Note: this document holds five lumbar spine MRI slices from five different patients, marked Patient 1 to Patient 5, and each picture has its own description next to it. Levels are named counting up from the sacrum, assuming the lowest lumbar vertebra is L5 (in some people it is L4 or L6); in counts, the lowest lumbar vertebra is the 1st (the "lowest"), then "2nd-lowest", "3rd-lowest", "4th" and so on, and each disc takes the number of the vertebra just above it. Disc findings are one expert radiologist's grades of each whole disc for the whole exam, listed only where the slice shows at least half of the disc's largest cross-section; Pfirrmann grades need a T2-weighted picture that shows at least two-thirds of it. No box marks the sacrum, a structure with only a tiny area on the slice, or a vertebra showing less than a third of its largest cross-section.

Patient 1 of 5:
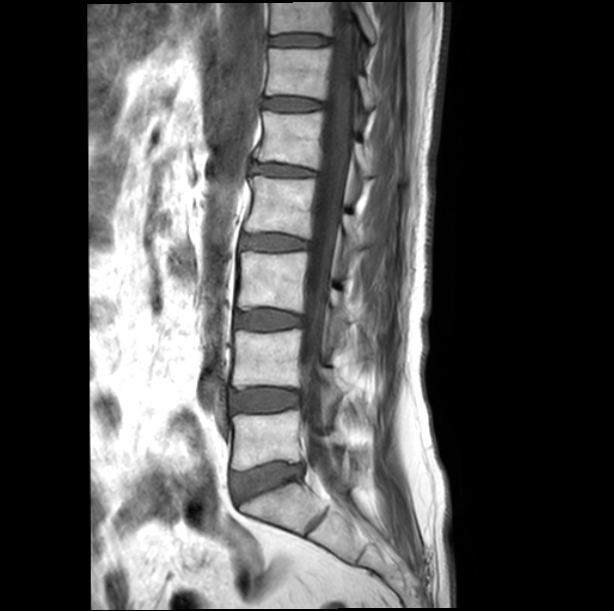 T1-weighted sagittal MRI of the lumbar spine | Sex M | 614x611 px

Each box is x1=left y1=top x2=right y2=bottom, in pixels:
L2 vertebra = x1=244 y1=176 x2=364 y2=253.
L4 = x1=232 y1=329 x2=346 y2=401.
L1/L2 = x1=251 y1=163 x2=318 y2=176.
Intervertebral disc L3/L4 = x1=235 y1=310 x2=300 y2=330.
T12/L1 = x1=264 y1=97 x2=322 y2=110.
L5 vertebra = x1=232 y1=410 x2=342 y2=470.
T11 vertebra = x1=270 y1=2 x2=375 y2=42.
T11/T12 = x1=270 y1=34 x2=329 y2=45.
L5/S1 = x1=232 y1=462 x2=304 y2=500.
L4/L5 = x1=231 y1=389 x2=298 y2=412.
T12 = x1=267 y1=47 x2=375 y2=108.
L1 = x1=255 y1=110 x2=372 y2=177.
Thecal sac / spinal canal = x1=301 y1=2 x2=355 y2=489.
L3 = x1=238 y1=251 x2=355 y2=337.
L2/L3 = x1=241 y1=234 x2=309 y2=250.

Degenerative findings by level:
  L5/S1: disc bulging
  L1/L2: disc bulging, disc narrowing
  L4/L5, L3/L4, T12/L1, L2/L3, T11/T12: no herniation, bulging, narrowing, spondylolisthesis, endplate or Modic change recorded

Patient 2 of 5:
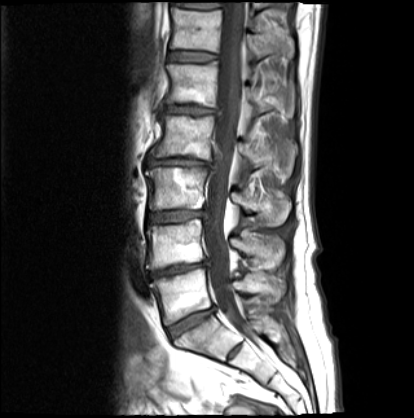 MRI lumbar spine (T1-weighted), sagittal plane, Image 414x418

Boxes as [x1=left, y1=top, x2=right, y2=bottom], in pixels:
Segmented structures:
- L1 vertebra: [x1=167, y1=62, x2=268, y2=115]
- L5/S1: [x1=170, y1=308, x2=214, y2=337]
- L4/L5: [x1=148, y1=260, x2=209, y2=278]
- L3 vertebra: [x1=146, y1=167, x2=289, y2=226]
- L2/L3: [x1=146, y1=157, x2=211, y2=167]
- intervertebral disc L1/L2: [x1=163, y1=105, x2=220, y2=115]
- T12 vertebra: [x1=171, y1=7, x2=268, y2=59]
- intervertebral disc L3/L4: [x1=149, y1=210, x2=206, y2=222]
- thecal sac / spinal canal: [x1=204, y1=2, x2=246, y2=332]
- L4 vertebra: [x1=146, y1=219, x2=284, y2=269]
- L2: [x1=150, y1=116, x2=297, y2=175]
- T12/L1: [x1=168, y1=52, x2=216, y2=61]
- L5: [x1=150, y1=268, x2=285, y2=325]

Degenerative findings by level:
• L1/L2: upper-endplate change, Modic type II, lower-endplate change, disc bulging, disc narrowing
• L2/L3: disc narrowing, lower-endplate change, upper-endplate change, Modic type II, disc bulging
• L5/S1: Modic type II, disc narrowing, disc bulging
• L4/L5: lower-endplate change, disc narrowing, disc bulging, Modic type II, upper-endplate change
• L3/L4: Modic type II, disc narrowing, disc bulging
• T12/L1: no spondylolisthesis, narrowing, bulging, herniation, Modic or endplate change recorded

Patient 3 of 5:
Field of view 280x280 mm | 448x448 px | Lumbar spine MR, T2-weighted, sagittal

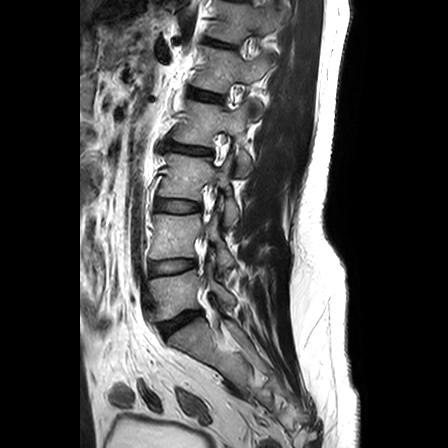

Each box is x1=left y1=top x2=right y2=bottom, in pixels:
IVD L1/L2 = x1=188 y1=89 x2=223 y2=100.
IVD L4/L5 = x1=150 y1=260 x2=195 y2=275.
L2 = x1=173 y1=101 x2=261 y2=173.
L5 = x1=150 y1=264 x2=235 y2=320.
L5/S1 = x1=159 y1=311 x2=200 y2=336.
L3/L4 = x1=156 y1=199 x2=200 y2=212.
L3 = x1=159 y1=153 x2=239 y2=225.
L4 vertebra = x1=150 y1=214 x2=234 y2=270.
L2/L3 = x1=168 y1=143 x2=211 y2=154.
T12/L1 = x1=205 y1=39 x2=230 y2=47.
T12 vertebra = x1=207 y1=0 x2=278 y2=43.
L1 vertebra = x1=191 y1=46 x2=272 y2=110.

Radiological gradings:
  L2/L3: Pfirrmann grade 4, lower-endplate change, disc bulging, disc narrowing, upper-endplate change
  L3/L4: Pfirrmann grade 2, upper-endplate change
  L4/L5: Pfirrmann grade 2, lower-endplate change
  L5/S1: disc herniation

Patient 4 of 5:
Scanner: SIEMENS Avanto_fit (1.5T), T2 SPACE (3D) sagittal MRI of the lumbar spine, Slice spacing 0.9 mm 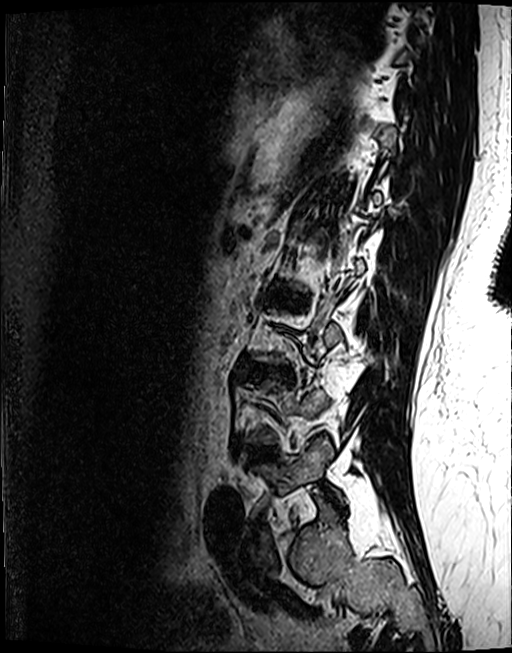 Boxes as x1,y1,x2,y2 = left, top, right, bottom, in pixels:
Annotations:
* L5 (lowest vertebra) — 251,435,343,503
* L2/L3 (4th disc) — 270,292,299,300
* L4/L5 (2nd-lowest disc) — 246,446,277,460
* disc L3/L4 (3rd-lowest disc) — 247,367,288,377

Patient 5 of 5:
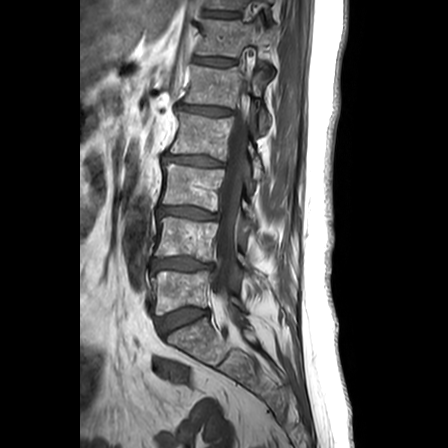 Image 448x448 | T1-weighted sagittal MRI of the lumbar spine | Slice 11 of 24
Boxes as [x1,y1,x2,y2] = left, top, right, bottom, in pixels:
L4 vertebra at [154,217,254,280].
L2 vertebra at [170,112,265,180].
L5 at [152,270,239,314].
T12 at [197,19,274,56].
Disc L2/L3 at [164,154,223,166].
L3/L4 at [159,206,217,219].
L1/L2 at [180,104,231,115].
L1 at [185,65,269,130].
T11/T12 at [203,10,238,17].
T11 at [206,0,245,9].
Disc L5/S1 at [158,307,208,333].
Thecal sac / spinal canal at [210,78,249,335].
L3 at [163,164,256,229].
Disc T12/L1 at [195,57,235,66].
Disc L4/L5 at [151,257,210,273].

Radiological gradings:
- L2/L3: upper-endplate change, disc bulging, Modic type II, disc narrowing, lower-endplate change
- L5/S1: Modic type II, lower-endplate change, upper-endplate change
- L3/L4: disc narrowing, Modic type II, upper-endplate change, disc bulging, lower-endplate change
- L1/L2: disc bulging, disc narrowing
- L4/L5: upper-endplate change, lower-endplate change, disc bulging, Modic type II
- T12/L1, T11/T12: no Modic or endplate change, herniation, narrowing, bulging or spondylolisthesis recorded